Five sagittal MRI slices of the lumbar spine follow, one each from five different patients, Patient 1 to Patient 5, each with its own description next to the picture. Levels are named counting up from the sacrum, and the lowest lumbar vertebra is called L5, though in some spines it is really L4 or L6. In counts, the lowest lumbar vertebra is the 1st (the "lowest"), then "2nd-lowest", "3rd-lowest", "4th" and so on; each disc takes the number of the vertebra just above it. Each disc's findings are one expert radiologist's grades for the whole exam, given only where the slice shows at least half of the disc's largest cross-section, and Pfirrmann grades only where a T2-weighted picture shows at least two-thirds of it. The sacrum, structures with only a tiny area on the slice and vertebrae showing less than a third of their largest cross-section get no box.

Patient 1 of 5:
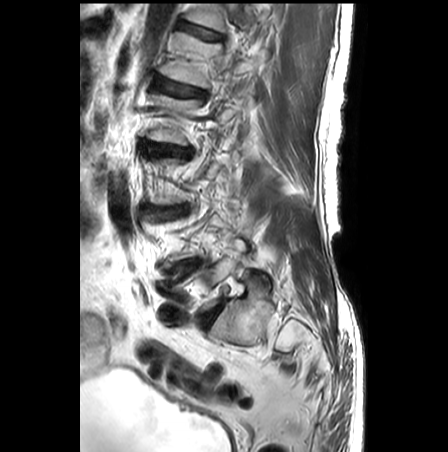 Slice spacing 3.3 mm; Sagittal T2-weighted lumbar spine MRI; Image 448x452; Sex M

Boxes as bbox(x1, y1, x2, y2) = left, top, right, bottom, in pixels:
Disc L2/L3 (4th disc): bbox(146, 143, 190, 156).
L1 (5th vertebra): bbox(165, 32, 254, 88).
L1/L2 (5th disc): bbox(154, 79, 204, 96).
T12/L1 (6th disc): bbox(178, 21, 220, 39).
L5/S1 (lowest disc): bbox(206, 303, 223, 323).
Disc L4/L5 (2nd-lowest disc): bbox(175, 260, 198, 278).

Degenerative findings by level:
- L2/L3 (4th disc): disc bulging
- L1/L2 (5th disc): Pfirrmann grade 2, lower-endplate change, upper-endplate change, Modic type II, disc bulging
- T12/L1 (6th disc): no Modic or endplate change, herniation, narrowing, bulging or spondylolisthesis recorded

Patient 2 of 5:
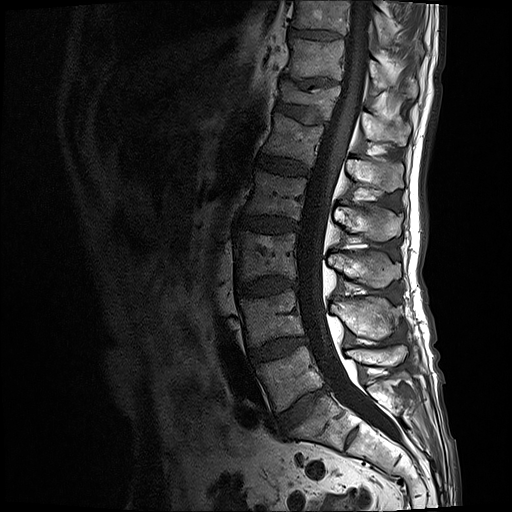
Slice 9 of 17, Image 512x512, T1-weighted sagittal MRI of the lumbar spine, Sex M
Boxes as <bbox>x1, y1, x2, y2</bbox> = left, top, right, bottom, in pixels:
3rd-lowest vertebra: <bbox>236, 231, 401, 287</bbox>
8th vertebra: <bbox>293, 0, 423, 56</bbox>
lowest vertebra: <bbox>256, 345, 406, 410</bbox>
thecal sac / spinal canal: <bbox>297, 0, 401, 443</bbox>
8th disc: <bbox>290, 29, 339, 38</bbox>
2nd-lowest disc: <bbox>249, 337, 307, 362</bbox>
5th vertebra: <bbox>263, 111, 403, 190</bbox>
7th vertebra: <bbox>284, 39, 417, 98</bbox>
4th vertebra: <bbox>246, 169, 401, 240</bbox>
5th disc: <bbox>257, 154, 309, 174</bbox>
2nd-lowest vertebra: <bbox>239, 289, 402, 346</bbox>
3rd-lowest disc: <bbox>235, 277, 297, 295</bbox>
7th disc: <bbox>299, 79, 334, 89</bbox>
4th disc: <bbox>238, 214, 299, 232</bbox>
6th vertebra: <bbox>278, 82, 411, 146</bbox>
lowest disc: <bbox>278, 388, 325, 434</bbox>
6th disc: <bbox>275, 101, 327, 125</bbox>

Degenerative findings by level:
- 6th disc: upper-endplate change, lower-endplate change
- 3rd-lowest disc: disc narrowing, Modic type II, disc bulging
- lowest disc: disc narrowing, disc bulging
- 2nd-lowest disc: Modic type II, disc bulging
- 7th disc: disc narrowing, upper-endplate change, lower-endplate change
- 4th disc: Modic type II, disc bulging
- 8th disc, 5th disc: no Modic or endplate change, herniation, narrowing, bulging or spondylolisthesis recorded

Patient 3 of 5:
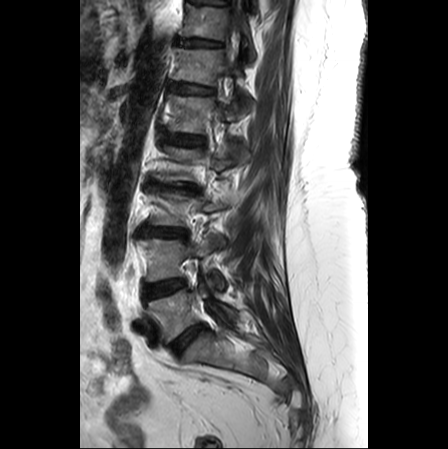
Field of view 280x281 mm, slice spacing 3.3 mm; T2-weighted sagittal MRI of the lumbar spine

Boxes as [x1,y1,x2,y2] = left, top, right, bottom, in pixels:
4th disc: [146,180,201,193].
3rd-lowest vertebra: [149,186,228,226].
5th disc: [163,134,204,145].
Lowest vertebra: [147,283,235,342].
7th disc: [176,37,222,45].
2nd-lowest vertebra: [138,234,224,289].
7th vertebra: [179,3,256,60].
4th vertebra: [153,142,249,182].
6th vertebra: [173,47,239,84].
5th vertebra: [167,94,250,133].
2nd-lowest disc: [143,279,185,300].
Lowest disc: [170,323,204,355].
Spinal canal: [227,27,238,66].
3rd-lowest disc: [139,228,186,236].
6th disc: [169,81,214,93].

Expert MSK radiologist gradings (per disc):
- 4th disc: Pfirrmann grade 5, lower-endplate change, Modic type II, disc herniation, disc narrowing, upper-endplate change
- 5th disc: Pfirrmann grade 2, disc bulging
- lowest disc: disc bulging
- 7th disc: Pfirrmann grade 3, upper-endplate change
- 6th disc: Pfirrmann grade 2, upper-endplate change
- 2nd-lowest disc: Pfirrmann grade 2, upper-endplate change, Modic type II, disc bulging, lower-endplate change
- 3rd-lowest disc: Pfirrmann grade 4, disc bulging, upper-endplate change, lower-endplate change, disc narrowing

Patient 4 of 5:
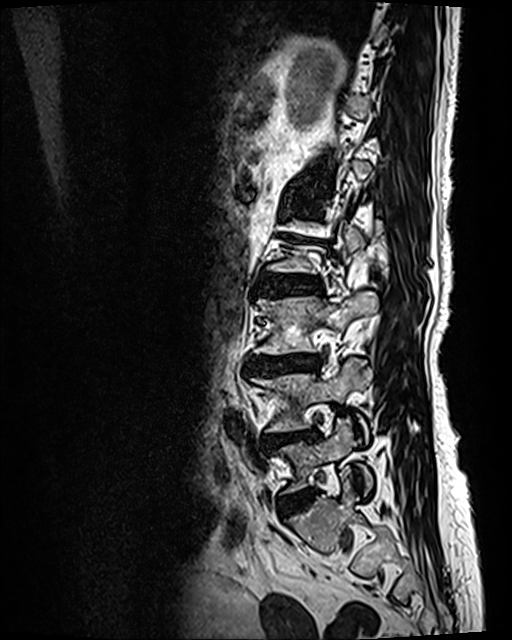 Sex F. MRI lumbar spine (T2 SPACE (3D)), sagittal plane.

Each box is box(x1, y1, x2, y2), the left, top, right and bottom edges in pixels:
Structures:
- 3rd-lowest disc: box(247, 354, 320, 374)
- lowest vertebra: box(278, 419, 373, 494)
- 5th disc: box(289, 204, 320, 215)
- 4th disc: box(262, 272, 319, 293)
- lowest disc: box(282, 491, 313, 514)
- 2nd-lowest vertebra: box(250, 359, 372, 441)
- 3rd-lowest vertebra: box(256, 291, 379, 353)
- 2nd-lowest disc: box(265, 429, 317, 448)

Degenerative findings by level:
  3rd-lowest disc: Pfirrmann grade 4, upper-endplate change, Modic type II, disc bulging, lower-endplate change, disc narrowing
  4th disc: disc bulging, lower-endplate change, Modic type II, upper-endplate change

Patient 5 of 5:
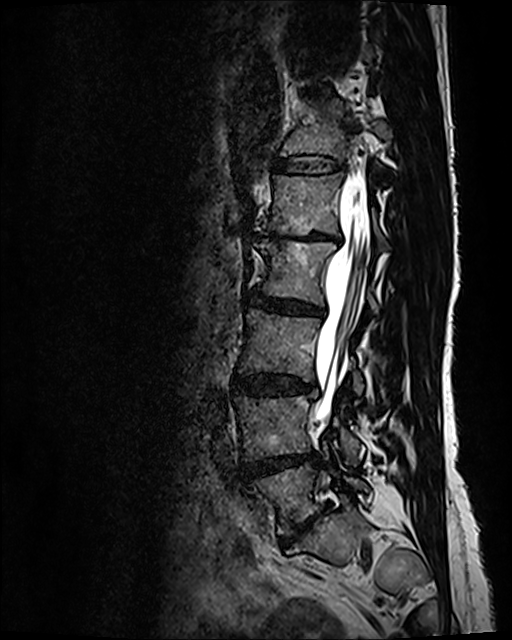 T2 SPACE (3D) sagittal MRI of the lumbar spine, Sagittal slice index 51, Field of view 240x300 mm, slice spacing 0.9 mm, Patient sex: F
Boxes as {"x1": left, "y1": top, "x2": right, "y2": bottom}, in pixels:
{"spinal canal": {"x1": 314, "y1": 178, "x2": 368, "y2": 424}, "L5 (lowest vertebra)": {"x1": 247, "y1": 456, "x2": 369, "y2": 534}, "L3/L4 (3rd-lowest disc)": {"x1": 233, "y1": 375, "x2": 316, "y2": 395}, "L2 (4th vertebra)": {"x1": 254, "y1": 241, "x2": 378, "y2": 314}, "intervertebral disc L2/L3 (4th disc)": {"x1": 248, "y1": 289, "x2": 323, "y2": 315}, "L5/S1 (lowest disc)": {"x1": 282, "y1": 505, "x2": 326, "y2": 544}, "intervertebral disc L1/L2 (5th disc)": {"x1": 257, "y1": 231, "x2": 337, "y2": 243}, "intervertebral disc T12/L1 (6th disc)": {"x1": 274, "y1": 155, "x2": 341, "y2": 175}, "L3 (3rd-lowest vertebra)": {"x1": 239, "y1": 309, "x2": 363, "y2": 394}, "T12 (6th vertebra)": {"x1": 280, "y1": 99, "x2": 387, "y2": 159}, "L4 (2nd-lowest vertebra)": {"x1": 235, "y1": 395, "x2": 363, "y2": 465}, "L1 (5th vertebra)": {"x1": 256, "y1": 173, "x2": 386, "y2": 244}, "intervertebral disc L4/L5 (2nd-lowest disc)": {"x1": 240, "y1": 454, "x2": 316, "y2": 478}}

Expert MSK radiologist gradings (per disc):
  L4/L5 (2nd-lowest disc): Pfirrmann grade 4, disc bulging, disc narrowing, Modic type II
  L3/L4 (3rd-lowest disc): Pfirrmann grade 3, disc bulging
  T12/L1 (6th disc): Pfirrmann grade 2
  L1/L2 (5th disc): Pfirrmann grade 5, disc bulging, upper-endplate change, lower-endplate change, Modic type II, disc narrowing
  L2/L3 (4th disc): disc bulging, disc narrowing